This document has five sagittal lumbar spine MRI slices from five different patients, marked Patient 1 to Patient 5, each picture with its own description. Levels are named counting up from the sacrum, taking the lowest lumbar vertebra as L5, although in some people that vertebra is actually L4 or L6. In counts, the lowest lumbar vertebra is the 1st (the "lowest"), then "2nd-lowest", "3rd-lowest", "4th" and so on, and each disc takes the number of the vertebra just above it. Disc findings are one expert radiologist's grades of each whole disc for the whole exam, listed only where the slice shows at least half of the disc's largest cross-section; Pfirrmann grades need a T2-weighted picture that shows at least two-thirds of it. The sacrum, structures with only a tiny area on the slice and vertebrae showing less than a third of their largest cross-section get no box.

Patient 1 of 5:
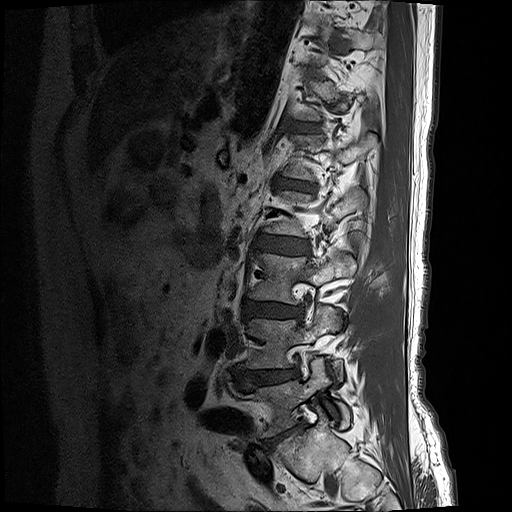 T1-weighted sagittal MRI of the lumbar spine, Sex M

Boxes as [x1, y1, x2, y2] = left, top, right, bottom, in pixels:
Structures:
• lowest vertebra: [238, 358, 350, 437]
• 5th disc: [276, 178, 313, 190]
• 2nd-lowest disc: [235, 369, 300, 389]
• 6th disc: [297, 124, 314, 130]
• 3rd-lowest vertebra: [248, 252, 356, 303]
• 4th disc: [257, 234, 308, 253]
• lowest disc: [265, 423, 303, 449]
• 3rd-lowest disc: [244, 301, 304, 318]
• 2nd-lowest vertebra: [245, 305, 343, 381]

Degenerative findings by level:
  2nd-lowest disc: disc bulging, disc herniation
  3rd-lowest disc: disc bulging, Modic type II, lower-endplate change, disc narrowing
  4th disc: disc bulging

Patient 2 of 5:
T2 SPACE (3D) sagittal MRI of the lumbar spine; Image 512x640

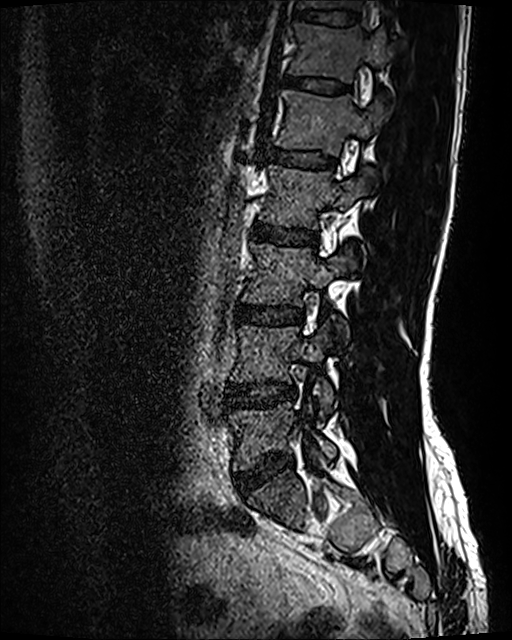
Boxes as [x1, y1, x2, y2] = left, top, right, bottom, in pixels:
7th vertebra at [295, 0, 363, 11].
2nd-lowest disc at [228, 382, 295, 406].
6th disc at [285, 75, 349, 92].
3rd-lowest disc at [237, 304, 302, 325].
4th disc at [252, 224, 316, 246].
4th vertebra at [259, 164, 375, 229].
Lowest disc at [236, 454, 292, 495].
5th disc at [268, 147, 334, 168].
7th disc at [294, 10, 361, 26].
Lowest vertebra at [229, 402, 336, 471].
5th vertebra at [274, 89, 388, 156].
6th vertebra at [288, 22, 393, 83].
3rd-lowest vertebra at [242, 244, 356, 340].
2nd-lowest vertebra at [231, 326, 333, 414].

Degenerative findings by level:
• lowest disc: disc bulging
• 4th disc: Pfirrmann grade 2
• 5th disc: Pfirrmann grade 2
• 7th disc: Pfirrmann grade 2
• 6th disc: Pfirrmann grade 2
• 2nd-lowest disc: Pfirrmann grade 2, disc bulging
• 3rd-lowest disc: Pfirrmann grade 2, disc bulging

Patient 3 of 5:
Sagittal T1-weighted lumbar spine MRI; 808x798 px; Sex F 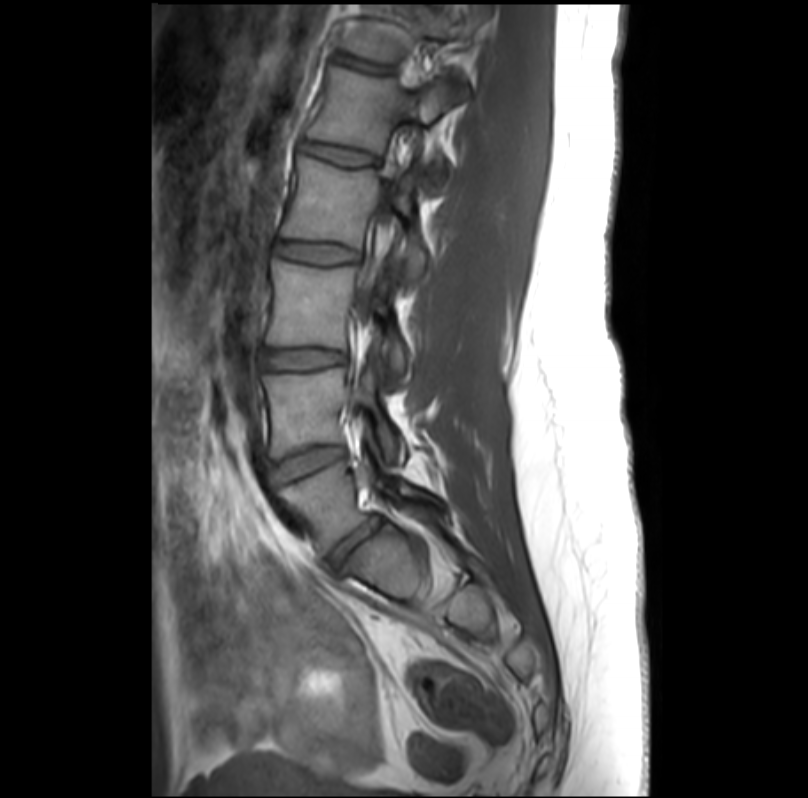 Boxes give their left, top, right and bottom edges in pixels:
thecal sac / spinal canal: left=363, top=216, right=391, bottom=309 | L1/L2: left=301, top=143, right=376, bottom=164 | IVD L4/L5: left=270, top=445, right=345, bottom=480 | L5: left=282, top=457, right=445, bottom=552 | L4 vertebra: left=265, top=365, right=407, bottom=457 | L1 vertebra: left=307, top=66, right=466, bottom=191 | IVD L5/S1: left=333, top=515, right=380, bottom=564 | L2/L3: left=276, top=240, right=360, bottom=262 | T12 vertebra: left=344, top=5, right=485, bottom=61 | L3 vertebra: left=269, top=260, right=412, bottom=372 | IVD L3/L4: left=265, top=349, right=347, bottom=367 | L2 vertebra: left=282, top=156, right=431, bottom=285 | T12/L1: left=337, top=53, right=393, bottom=73

Radiological gradings:
- L5/S1: disc narrowing
- L3/L4: disc bulging
- L4/L5, L2/L3, L1/L2, T12/L1: no spondylolisthesis, narrowing, bulging, herniation, Modic or endplate change recorded

Patient 4 of 5:
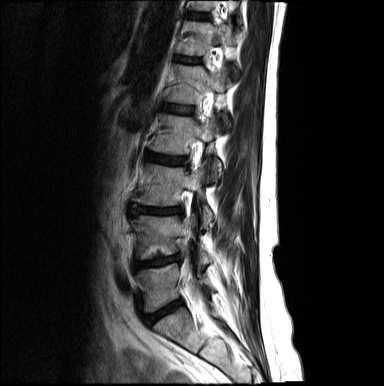

MRI lumbar spine (T2-weighted), sagittal plane. 384x386 px. Sex F.
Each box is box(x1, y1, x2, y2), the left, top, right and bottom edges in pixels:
L3 (3rd-lowest vertebra): box(133, 161, 213, 228) | L4 (2nd-lowest vertebra): box(132, 215, 212, 263) | L5 (lowest vertebra): box(137, 263, 213, 312) | L1 (5th vertebra): box(168, 64, 229, 127) | T12 (6th vertebra): box(179, 22, 238, 73) | disc L2/L3 (4th disc): box(146, 153, 186, 166) | disc L3/L4 (3rd-lowest disc): box(130, 205, 182, 214) | disc T11/T12 (7th disc): box(191, 13, 208, 18) | L1/L2 (5th disc): box(165, 104, 192, 113) | L5/S1 (lowest disc): box(145, 301, 182, 324) | disc L4/L5 (2nd-lowest disc): box(134, 255, 179, 269) | T12/L1 (6th disc): box(178, 57, 200, 62) | L2 (4th vertebra): box(151, 114, 221, 180)

Degenerative findings by level:
- L3/L4 (3rd-lowest disc): Pfirrmann grade 4, disc narrowing, disc bulging, lower-endplate change, upper-endplate change
- L2/L3 (4th disc): disc bulging
- L5/S1 (lowest disc): disc narrowing, disc bulging
- L4/L5 (2nd-lowest disc): disc narrowing, disc herniation, disc bulging
- L1/L2 (5th disc): no Modic or endplate change, herniation, narrowing, bulging or spondylolisthesis recorded

Patient 5 of 5:
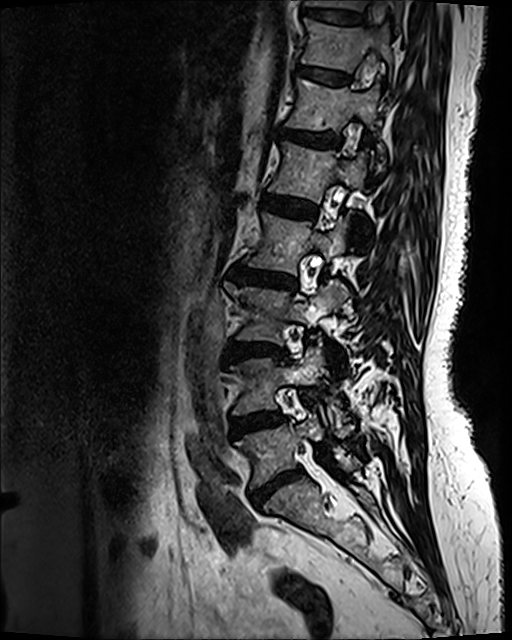 Lumbar spine MR, T2 SPACE (3D), sagittal, Sagittal slice index 77, 512x640 px

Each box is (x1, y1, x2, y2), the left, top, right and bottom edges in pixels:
* L5/S1: (252, 471, 300, 505)
* T10/T11: (306, 8, 363, 23)
* T11 vertebra: (301, 18, 391, 71)
* T11/T12: (297, 65, 350, 83)
* intervertebral disc L2/L3: (229, 266, 298, 290)
* L4: (230, 347, 332, 420)
* L3/L4: (226, 340, 285, 355)
* T12: (286, 80, 383, 158)
* T12/L1: (280, 127, 342, 148)
* T10: (305, 0, 403, 29)
* L4/L5: (230, 412, 283, 435)
* L1: (269, 142, 365, 202)
* L5 vertebra: (235, 415, 359, 488)
* L2: (248, 214, 347, 275)
* L1/L2: (258, 192, 317, 218)
* L3 vertebra: (224, 282, 346, 344)

Expert MSK radiologist gradings (per disc):
- T11/T12: Pfirrmann grade 2
- T10/T11: Pfirrmann grade 2
- L4/L5: disc bulging
- L5/S1: disc bulging, disc narrowing
- L2/L3: Pfirrmann grade 4, disc narrowing, disc bulging, Modic type II, upper-endplate change, lower-endplate change
- T12/L1: Pfirrmann grade 3, disc bulging
- L3/L4: upper-endplate change, lower-endplate change, Modic type II, disc bulging, disc narrowing
- L1/L2: Pfirrmann grade 2